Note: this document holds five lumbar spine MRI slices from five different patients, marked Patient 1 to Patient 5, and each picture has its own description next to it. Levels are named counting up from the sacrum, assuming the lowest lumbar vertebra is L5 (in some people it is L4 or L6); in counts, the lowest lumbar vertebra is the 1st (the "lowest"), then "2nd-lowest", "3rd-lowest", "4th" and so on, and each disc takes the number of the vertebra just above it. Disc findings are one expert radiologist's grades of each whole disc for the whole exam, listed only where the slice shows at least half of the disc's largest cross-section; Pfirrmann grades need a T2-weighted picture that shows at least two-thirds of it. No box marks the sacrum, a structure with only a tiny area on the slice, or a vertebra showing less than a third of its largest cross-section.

Patient 1 of 5:
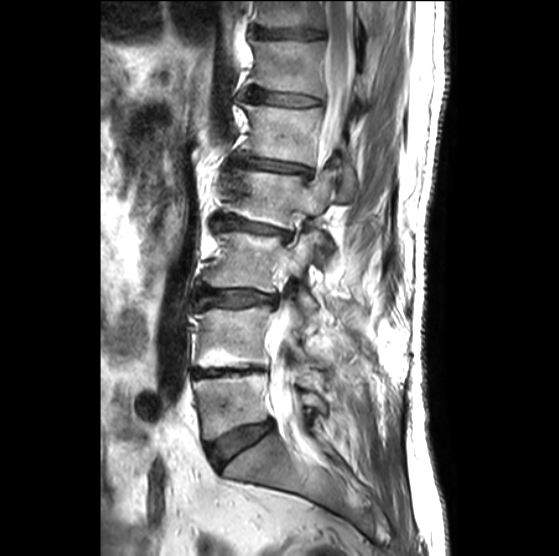 T2-weighted sagittal MRI of the lumbar spine; Slice 11/27

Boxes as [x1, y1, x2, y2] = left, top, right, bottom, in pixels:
* L4 (2nd-lowest vertebra): [196, 305, 323, 371]
* IVD L3/L4 (3rd-lowest disc): [199, 289, 276, 306]
* T12/L1 (6th disc): [249, 88, 320, 106]
* T12 (6th vertebra): [250, 37, 368, 103]
* T11/T12 (7th disc): [254, 28, 323, 37]
* L3 (3rd-lowest vertebra): [203, 230, 322, 316]
* L1 (5th vertebra): [239, 103, 355, 192]
* L2/L3 (4th disc): [222, 215, 290, 238]
* L4/L5 (2nd-lowest disc): [195, 367, 266, 376]
* T11 (7th vertebra): [256, 1, 372, 33]
* spinal canal: [269, 1, 354, 441]
* L5 (lowest vertebra): [193, 372, 327, 439]
* L5/S1 (lowest disc): [208, 420, 272, 466]
* L1/L2 (5th disc): [240, 158, 310, 177]
* L2 (4th vertebra): [225, 169, 339, 244]

Degenerative findings by level:
• L4/L5 (2nd-lowest disc): Pfirrmann grade 5, Modic type II, upper-endplate change, lower-endplate change, disc narrowing
• T11/T12 (7th disc): Pfirrmann grade 4, disc narrowing
• L2/L3 (4th disc): disc bulging, disc narrowing, lower-endplate change, upper-endplate change, Modic type II
• L3/L4 (3rd-lowest disc): Pfirrmann grade 2, disc bulging
• L1/L2 (5th disc): Pfirrmann grade 3, disc narrowing, lower-endplate change, upper-endplate change, disc bulging, Modic type III
• L5/S1 (lowest disc): Pfirrmann grade 3, disc bulging
• T12/L1 (6th disc): Pfirrmann grade 3, disc narrowing

Patient 2 of 5:
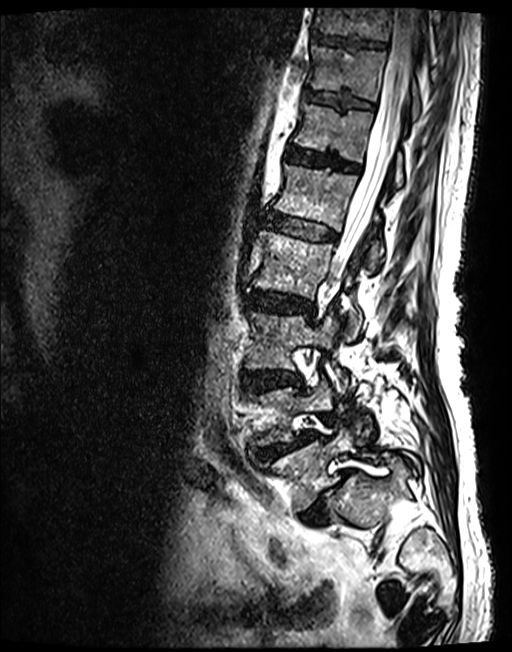

Lumbar spine MR, T2 SPACE (3D), sagittal

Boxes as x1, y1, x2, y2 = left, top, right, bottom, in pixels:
{"thecal sac / spinal canal": "328, 7, 420, 287", "L4/L5 (2nd-lowest disc)": "256, 431, 315, 460", "L3/L4 (3rd-lowest disc)": "242, 371, 301, 392", "IVD L1/L2 (5th disc)": "267, 214, 334, 240", "L5/S1 (lowest disc)": "300, 468, 351, 523", "L3 (3rd-lowest vertebra)": "245, 312, 350, 393", "T10 (8th vertebra)": "314, 7, 424, 40", "IVD T10/T11 (8th disc)": "314, 34, 384, 48", "IVD T11/T12 (7th disc)": "305, 90, 372, 108", "T12 (6th vertebra)": "294, 103, 404, 186", "L4 (2nd-lowest vertebra)": "249, 380, 332, 446", "L1 (5th vertebra)": "274, 164, 383, 268", "L2 (4th vertebra)": "252, 231, 362, 341", "T11 (7th vertebra)": "309, 47, 421, 118", "L5 (lowest vertebra)": "260, 429, 419, 510", "IVD L2/L3 (4th disc)": "245, 291, 313, 313", "T12/L1 (6th disc)": "287, 146, 358, 172"}

Radiological gradings:
• T10/T11 (8th disc): Pfirrmann grade 3
• L1/L2 (5th disc): Pfirrmann grade 3
• T12/L1 (6th disc): Pfirrmann grade 3
• L3/L4 (3rd-lowest disc): upper-endplate change, lower-endplate change, disc bulging
• T11/T12 (7th disc): Pfirrmann grade 3
• L2/L3 (4th disc): Pfirrmann grade 3, disc bulging

Patient 3 of 5:
Sagittal T1-weighted lumbar spine MRI 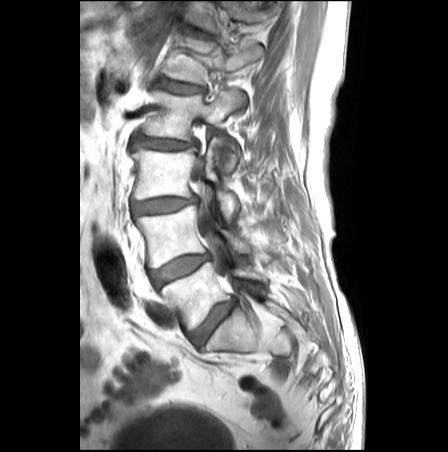

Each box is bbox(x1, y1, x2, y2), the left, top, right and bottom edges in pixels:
6th vertebra — bbox(188, 1, 269, 29).
3rd-lowest vertebra — bbox(131, 137, 238, 222).
4th vertebra — bbox(144, 90, 245, 171).
4th disc — bbox(133, 135, 195, 150).
3rd-lowest disc — bbox(131, 197, 196, 215).
2nd-lowest disc — bbox(150, 254, 208, 286).
2nd-lowest vertebra — bbox(136, 205, 250, 267).
6th disc — bbox(184, 25, 213, 38).
Lowest disc — bbox(188, 299, 236, 346).
Spinal canal — bbox(191, 169, 224, 273).
Lowest vertebra — bbox(161, 247, 264, 328).
5th disc — bbox(160, 79, 204, 93).
5th vertebra — bbox(164, 39, 262, 83).

Degenerative findings by level:
• lowest disc: disc bulging
• 3rd-lowest disc: disc narrowing, disc bulging
• 2nd-lowest disc: disc bulging
• 4th disc: disc bulging
• 5th disc: lower-endplate change, Modic type II, upper-endplate change, disc bulging

Patient 4 of 5:
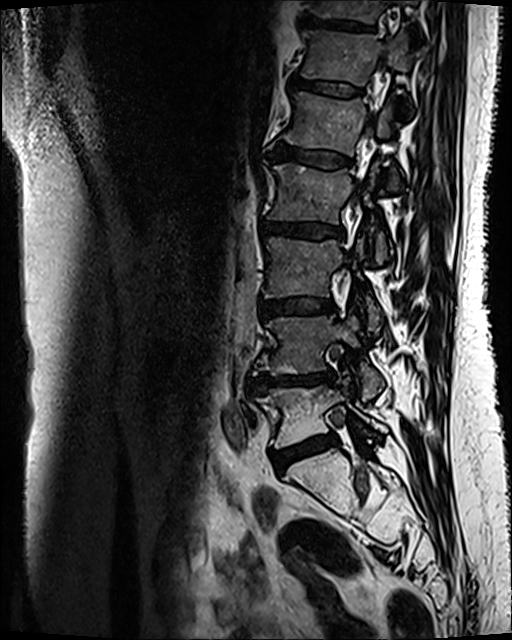
T2 SPACE (3D) sagittal MRI of the lumbar spine; Image 512x640
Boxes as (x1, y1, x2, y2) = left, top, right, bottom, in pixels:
Intervertebral disc L4/L5 — (247, 370, 335, 392).
Intervertebral disc L5/S1 — (272, 435, 337, 472).
Intervertebral disc T12/L1 — (290, 78, 362, 95).
L3/L4 — (259, 299, 334, 317).
Intervertebral disc L2/L3 — (262, 222, 344, 238).
T11 — (311, 0, 416, 22).
Spinal canal — (348, 112, 375, 246).
L4 — (255, 316, 383, 400).
L5 vertebra — (255, 387, 384, 448).
T12 — (301, 32, 409, 85).
L3 vertebra — (264, 237, 380, 331).
L1 vertebra — (284, 92, 398, 188).
L2 — (269, 164, 389, 263).
L1/L2 — (269, 141, 350, 167).
Intervertebral disc T11/T12 — (302, 15, 373, 31).

Per-level radiological findings:
- T12/L1: Pfirrmann grade 3, Modic type II
- L1/L2: Pfirrmann grade 3, Modic type II
- T11/T12: Modic type II, lower-endplate change, upper-endplate change
- L5/S1: disc bulging, Modic type II
- L3/L4: Pfirrmann grade 3, disc bulging, Modic type II
- L2/L3: Pfirrmann grade 3, Modic type II, disc bulging
- L4/L5: disc narrowing, lower-endplate change, disc bulging, Modic type II, upper-endplate change

Patient 5 of 5:
MRI lumbar spine (T2-weighted), sagittal plane
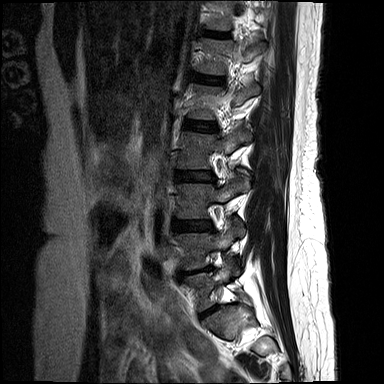 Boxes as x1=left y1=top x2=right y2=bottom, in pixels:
L4 vertebra at x1=177 y1=217 x2=245 y2=269, disc T12/L1 at x1=193 y1=73 x2=222 y2=84, disc L5/S1 at x1=200 y1=306 x2=216 y2=318, L5 at x1=186 y1=258 x2=239 y2=311, L3 vertebra at x1=178 y1=176 x2=249 y2=218, L3/L4 at x1=175 y1=220 x2=212 y2=230, disc L4/L5 at x1=185 y1=267 x2=211 y2=274, L1 vertebra at x1=190 y1=85 x2=259 y2=119, T12 vertebra at x1=199 y1=39 x2=264 y2=74, L2 vertebra at x1=178 y1=131 x2=251 y2=168, L2/L3 at x1=177 y1=171 x2=213 y2=181, T11/T12 at x1=206 y1=31 x2=227 y2=38, disc L1/L2 at x1=184 y1=119 x2=215 y2=131.

Degenerative findings by level:
  L3/L4: Pfirrmann grade 4, upper-endplate change, disc bulging
  L1/L2: Pfirrmann grade 2
  L2/L3: Pfirrmann grade 3, disc bulging
  T12/L1: no Modic or endplate change, herniation, narrowing, bulging or spondylolisthesis recorded